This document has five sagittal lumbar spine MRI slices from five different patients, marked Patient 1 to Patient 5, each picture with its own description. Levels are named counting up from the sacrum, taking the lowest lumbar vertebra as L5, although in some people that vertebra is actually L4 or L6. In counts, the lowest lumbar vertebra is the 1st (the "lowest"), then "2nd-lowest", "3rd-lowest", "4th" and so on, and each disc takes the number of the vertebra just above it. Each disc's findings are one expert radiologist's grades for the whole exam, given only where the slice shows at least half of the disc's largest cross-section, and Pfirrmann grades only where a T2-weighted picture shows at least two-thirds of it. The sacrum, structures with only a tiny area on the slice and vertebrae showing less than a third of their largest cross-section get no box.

Patient 1 of 5:
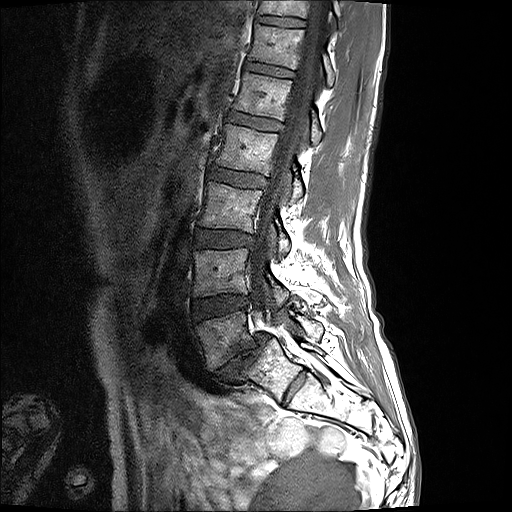 Patient sex: F; Lumbar spine MR, T1-weighted, sagittal; Slice 7/17

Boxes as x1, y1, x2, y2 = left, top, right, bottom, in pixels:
{"7th vertebra": "258, 0, 340, 28", "5th vertebra": "234, 72, 321, 143", "3rd-lowest vertebra": "200, 181, 290, 254", "6th disc": "244, 62, 293, 77", "2nd-lowest disc": "192, 295, 248, 319", "lowest vertebra": "196, 311, 323, 370", "3rd-lowest disc": "194, 229, 252, 247", "lowest disc": "211, 333, 268, 382", "5th disc": "228, 112, 280, 130", "6th vertebra": "249, 24, 334, 86", "2nd-lowest vertebra": "193, 248, 288, 307", "4th vertebra": "216, 124, 302, 203", "spinal canal": "249, 0, 330, 330", "7th disc": "257, 15, 304, 27", "4th disc": "209, 167, 266, 187"}

Degenerative findings by level:
• lowest disc: disc narrowing, spondylolisthesis, Modic type II, disc bulging
• 3rd-lowest disc, 5th disc, 2nd-lowest disc, 7th disc, 4th disc, 6th disc: no spondylolisthesis, narrowing, bulging, herniation, Modic or endplate change recorded

Patient 2 of 5:
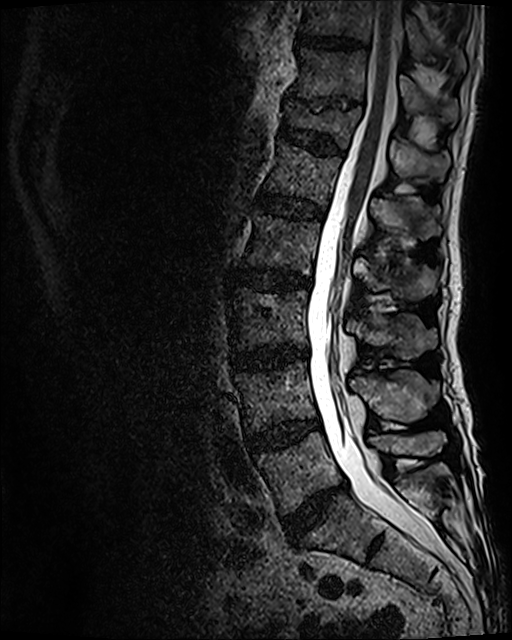 512x640 px; Lumbar spine MR, T2 SPACE (3D), sagittal; Patient sex: M

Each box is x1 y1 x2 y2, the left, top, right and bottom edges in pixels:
{"L4": "235 361 439 433", "T12": "282 101 450 180", "disc L4/L5": "247 421 319 453", "T11 vertebra": "290 48 458 124", "thecal sac / spinal canal": "307 0 437 554", "L1 vertebra": "265 140 440 238", "disc L1/L2": "257 191 322 217", "L5/S1": "283 486 341 542", "L3": "231 288 437 359", "L3/L4": "230 346 307 369", "disc T12/L1": "280 93 342 154", "T11/T12": "310 98 354 111", "L5 vertebra": "257 431 445 513", "T10": "302 0 466 73", "L2/L3": "233 267 311 291", "L2 vertebra": "244 210 436 300", "T10/T11": "297 36 360 47"}

Radiological gradings:
• L5/S1: Pfirrmann grade 4, disc narrowing, disc bulging
• T11/T12: Pfirrmann grade 5, disc narrowing, lower-endplate change, upper-endplate change
• L2/L3: Pfirrmann grade 3, Modic type II, disc bulging
• T10/T11: Pfirrmann grade 3
• T12/L1: Pfirrmann grade 3, upper-endplate change, lower-endplate change
• L3/L4: Pfirrmann grade 4, disc narrowing, Modic type II, disc bulging
• L1/L2: Pfirrmann grade 3
• L4/L5: Pfirrmann grade 3, Modic type II, disc bulging

Patient 3 of 5:
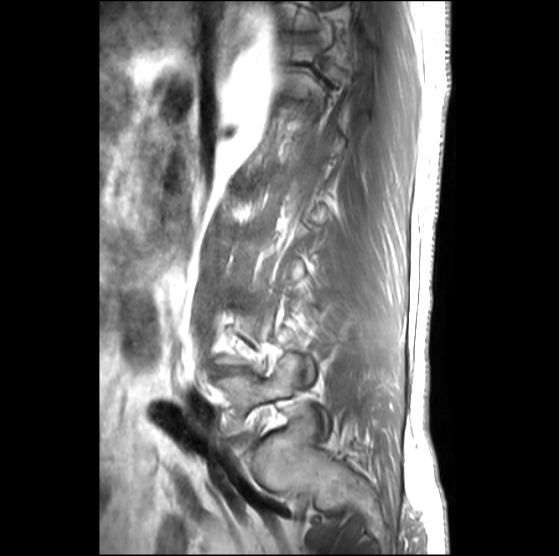 Slice 6/27; Sex M; Field of view 282x281 mm, slice spacing 3.3 mm; Image 559x556; Lumbar spine MR, T1-weighted, sagittal

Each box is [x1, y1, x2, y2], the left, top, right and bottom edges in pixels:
L5 (lowest vertebra) at [218, 355, 301, 433].
Disc L4/L5 (2nd-lowest disc) at [215, 366, 239, 372].

Patient 4 of 5:
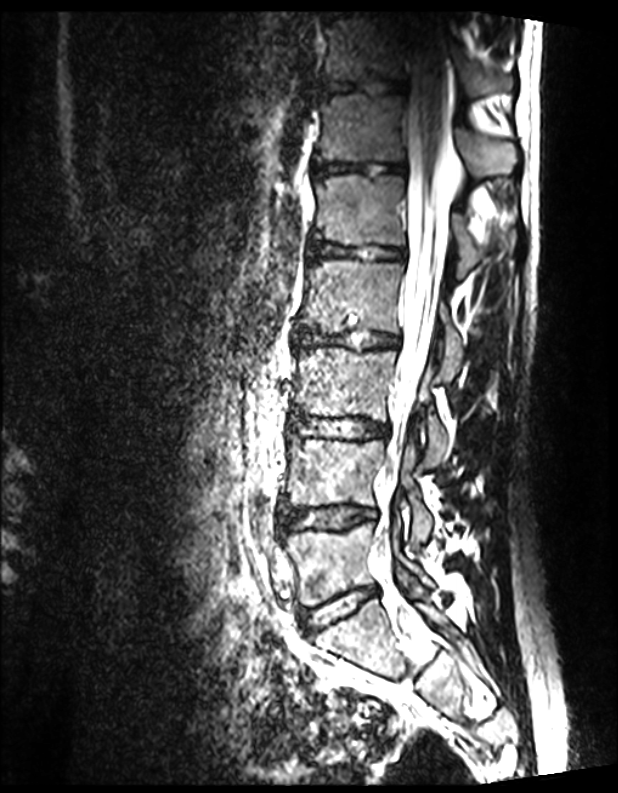 Field of view 240x308 mm, slice spacing 0.9 mm. Patient sex: M. MRI lumbar spine (T2 SPACE (3D)), sagittal plane.
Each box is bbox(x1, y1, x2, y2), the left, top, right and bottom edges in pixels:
L1 (5th vertebra) at bbox(315, 174, 514, 278); L5/S1 (lowest disc) at bbox(301, 587, 376, 632); disc L3/L4 (3rd-lowest disc) at bbox(290, 417, 388, 439); L2/L3 (4th disc) at bbox(294, 329, 399, 349); L2 (4th vertebra) at bbox(301, 259, 463, 380); L4/L5 (2nd-lowest disc) at bbox(281, 506, 376, 531); L4 (2nd-lowest vertebra) at bbox(286, 440, 432, 544); T12/L1 (6th disc) at bbox(313, 160, 405, 176); T11 (7th vertebra) at bbox(324, 14, 511, 96); disc T11/T12 (7th disc) at bbox(321, 80, 404, 92); L3 (3rd-lowest vertebra) at bbox(294, 347, 450, 466); L5 (lowest vertebra) at bbox(284, 520, 432, 605); thecal sac / spinal canal at bbox(372, 25, 451, 553); L1/L2 (5th disc) at bbox(307, 239, 405, 260); T12 (6th vertebra) at bbox(320, 93, 515, 177).

Degenerative findings by level:
- L4/L5 (2nd-lowest disc): Pfirrmann grade 1
- T12/L1 (6th disc): Pfirrmann grade 1
- L1/L2 (5th disc): Pfirrmann grade 1
- L2/L3 (4th disc): Pfirrmann grade 1
- T11/T12 (7th disc): Pfirrmann grade 1
- L3/L4 (3rd-lowest disc): Pfirrmann grade 1
- L5/S1 (lowest disc): no Modic or endplate change, herniation, narrowing, bulging or spondylolisthesis recorded

Patient 5 of 5:
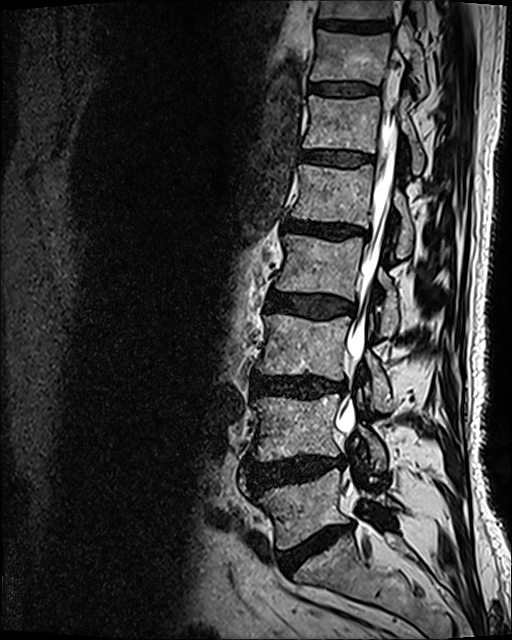 T2 SPACE (3D) sagittal MRI of the lumbar spine | Slice spacing 0.9 mm
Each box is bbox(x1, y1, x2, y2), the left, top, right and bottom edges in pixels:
Structures:
- 4th vertebra at bbox(274, 234, 398, 335)
- 2nd-lowest vertebra at bbox(251, 394, 386, 470)
- lowest vertebra at bbox(258, 469, 398, 549)
- 5th disc at bbox(285, 219, 366, 238)
- 6th vertebra at bbox(303, 92, 424, 175)
- 3rd-lowest vertebra at bbox(257, 314, 392, 412)
- 3rd-lowest disc at bbox(252, 373, 346, 398)
- 5th vertebra at bbox(291, 164, 413, 257)
- 8th disc at bbox(318, 19, 387, 32)
- 6th disc at bbox(301, 151, 373, 167)
- 2nd-lowest disc at bbox(245, 455, 345, 490)
- thecal sac / spinal canal at bbox(338, 112, 395, 432)
- 4th disc at bbox(267, 290, 356, 319)
- 7th disc at bbox(310, 84, 375, 96)
- 7th vertebra at bbox(311, 17, 427, 98)
- 8th vertebra at bbox(317, 0, 425, 29)
- lowest disc at bbox(278, 523, 351, 573)

Per-level radiological findings:
• 6th disc: Pfirrmann grade 3
• 7th disc: Pfirrmann grade 3
• 4th disc: Pfirrmann grade 3, disc bulging
• 2nd-lowest disc: Pfirrmann grade 4, disc herniation, disc bulging
• 3rd-lowest disc: Pfirrmann grade 4, disc narrowing, lower-endplate change, Modic type II, disc bulging
• 5th disc: Pfirrmann grade 4, lower-endplate change, disc narrowing, upper-endplate change, Modic type II, disc bulging
• lowest disc: Pfirrmann grade 5, disc bulging, Modic type II, disc narrowing, lower-endplate change